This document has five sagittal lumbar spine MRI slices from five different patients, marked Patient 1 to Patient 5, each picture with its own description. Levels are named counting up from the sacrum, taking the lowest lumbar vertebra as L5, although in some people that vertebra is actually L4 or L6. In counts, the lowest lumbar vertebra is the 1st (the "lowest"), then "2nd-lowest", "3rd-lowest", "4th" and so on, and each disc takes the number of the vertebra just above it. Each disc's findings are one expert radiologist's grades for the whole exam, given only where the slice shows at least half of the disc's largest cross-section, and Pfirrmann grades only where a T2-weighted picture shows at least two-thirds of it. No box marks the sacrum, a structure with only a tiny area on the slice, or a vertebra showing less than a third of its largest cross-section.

Patient 1 of 5:
MRI lumbar spine (T1-weighted), sagittal plane.

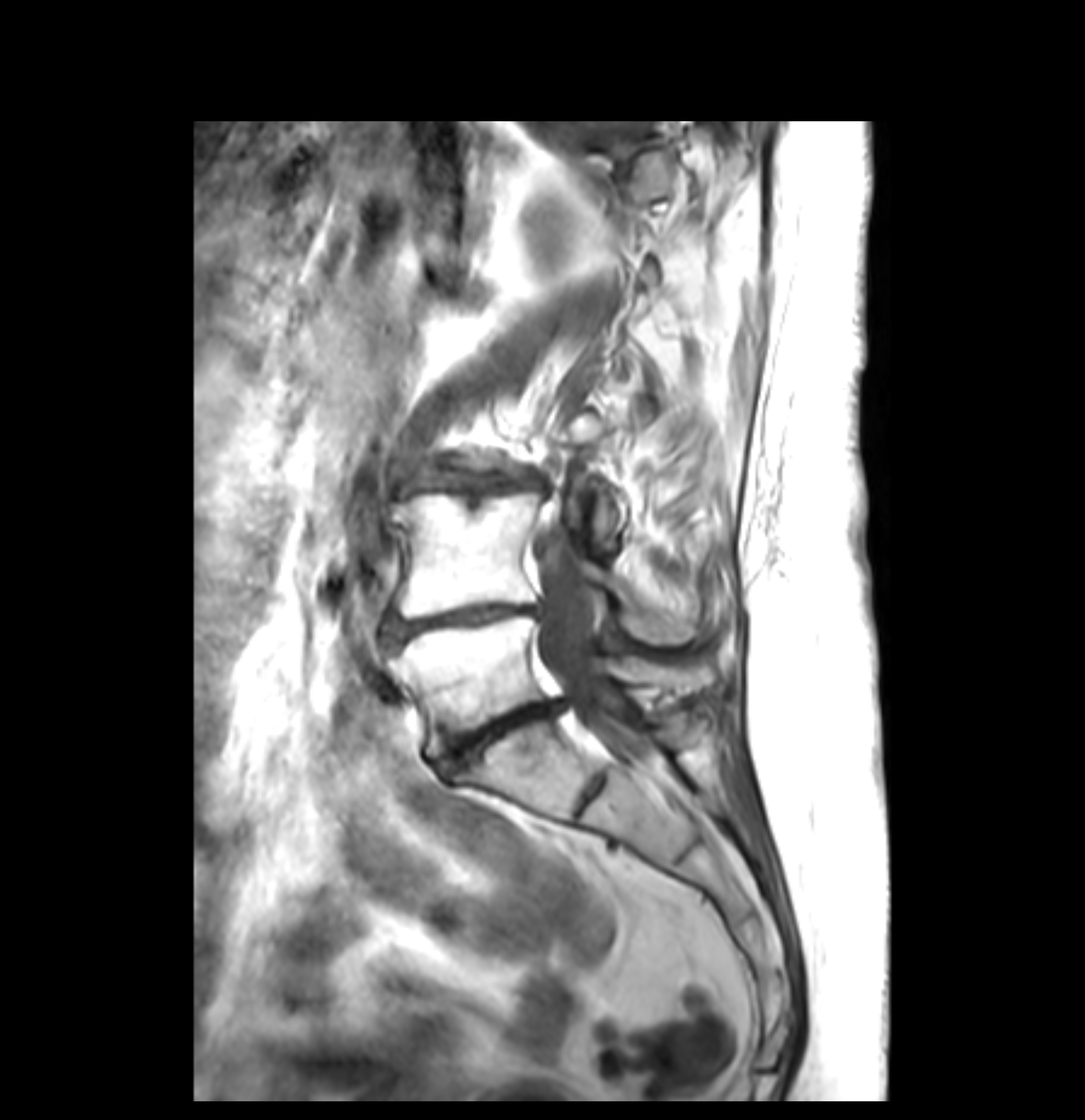 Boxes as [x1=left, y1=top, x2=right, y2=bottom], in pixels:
Disc L4/L5 at [x1=387, y1=605, x2=542, y2=640].
Disc L3/L4 at [x1=438, y1=474, x2=532, y2=492].
L5 at [x1=387, y1=614, x2=699, y2=757].
L4 at [x1=395, y1=492, x2=692, y2=644].
Disc L5/S1 at [x1=438, y1=699, x2=567, y2=772].
Thecal sac / spinal canal at [x1=535, y1=530, x2=646, y2=761].

Degenerative findings by level:
- L5/S1: upper-endplate change, disc narrowing, disc bulging, Modic type II, lower-endplate change, disc herniation
- L4/L5: upper-endplate change, disc bulging, disc narrowing, Modic type II, lower-endplate change

Patient 2 of 5:
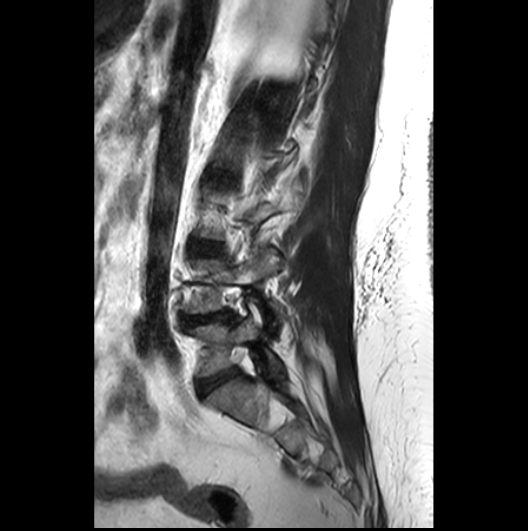 MRI lumbar spine (T2-weighted), sagittal plane
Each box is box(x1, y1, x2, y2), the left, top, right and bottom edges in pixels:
IVD L3/L4 (3rd-lowest disc) — box(197, 244, 218, 253) | IVD L5/S1 (lowest disc) — box(199, 368, 238, 394) | L5 (lowest vertebra) — box(190, 305, 282, 376) | L4 (2nd-lowest vertebra) — box(188, 248, 278, 331) | L4/L5 (2nd-lowest disc) — box(185, 312, 230, 324)

Patient 3 of 5:
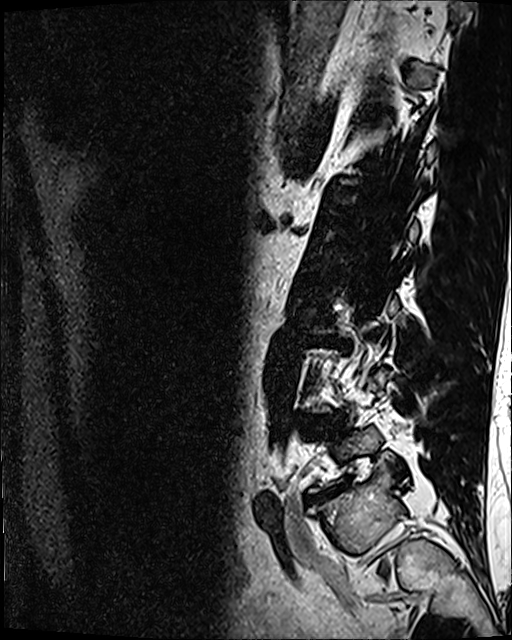

Lumbar spine MR, T2 SPACE (3D), sagittal
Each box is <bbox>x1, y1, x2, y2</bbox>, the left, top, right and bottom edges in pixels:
2nd-lowest disc at <bbox>305, 418, 337, 426</bbox>, 3rd-lowest disc at <bbox>311, 338, 343, 345</bbox>.

Patient 4 of 5:
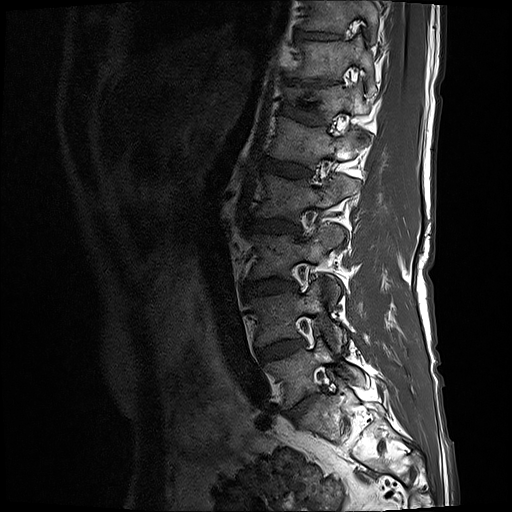 Field of view 300x300 mm; T1-weighted sagittal MRI of the lumbar spine
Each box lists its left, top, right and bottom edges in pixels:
L5 vertebra: left=266, top=338, right=364, bottom=408.
L5/S1: left=287, top=395, right=317, bottom=421.
Disc L4/L5: left=258, top=339, right=303, bottom=361.
L2 vertebra: left=258, top=175, right=362, bottom=220.
L4: left=251, top=279, right=345, bottom=350.
L3 vertebra: left=254, top=225, right=347, bottom=278.
T10 vertebra: left=305, top=0, right=378, bottom=34.
Disc L1/L2: left=265, top=159, right=309, bottom=178.
T11 vertebra: left=293, top=39, right=373, bottom=87.
L3/L4: left=246, top=279, right=297, bottom=294.
Disc T12/L1: left=282, top=102, right=327, bottom=124.
T11/T12: left=310, top=81, right=333, bottom=84.
T10/T11: left=297, top=30, right=338, bottom=38.
T12: left=286, top=85, right=371, bottom=119.
Disc L2/L3: left=249, top=218, right=299, bottom=232.
L1 vertebra: left=270, top=118, right=371, bottom=169.

Per-level radiological findings:
• L3/L4: disc bulging, Modic type II, disc narrowing
• L2/L3: Modic type II, disc bulging
• T12/L1: lower-endplate change, upper-endplate change
• L4/L5: Modic type II, disc bulging
• T10/T11, L1/L2: no Modic or endplate change, herniation, narrowing, bulging or spondylolisthesis recorded

Patient 5 of 5:
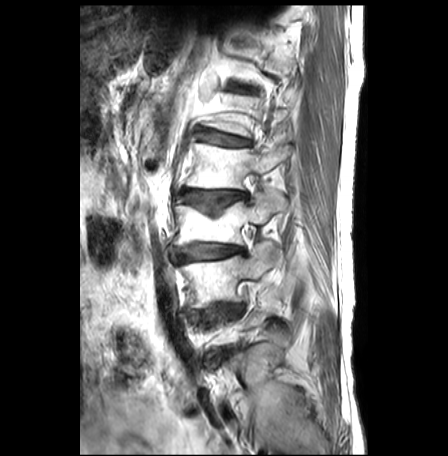
448x456 px, Sex M, T2-weighted sagittal MRI of the lumbar spine
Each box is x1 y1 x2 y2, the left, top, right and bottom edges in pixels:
* L2 = 187 143 289 188
* L4/L5 = 205 305 243 320
* L3 vertebra = 173 191 286 244
* L4 vertebra = 181 241 281 308
* intervertebral disc L1/L2 = 197 129 249 145
* intervertebral disc L3/L4 = 170 244 242 263
* intervertebral disc T12/L1 = 232 84 254 92
* intervertebral disc L2/L3 = 184 191 246 217

Radiological gradings:
- L2/L3: Pfirrmann grade 3, disc narrowing, disc bulging, lower-endplate change, Modic type II, upper-endplate change
- L1/L2: Pfirrmann grade 3, upper-endplate change, lower-endplate change, Modic type II, disc bulging
- L3/L4: Pfirrmann grade 3, upper-endplate change, lower-endplate change, Modic type II, disc narrowing, disc bulging